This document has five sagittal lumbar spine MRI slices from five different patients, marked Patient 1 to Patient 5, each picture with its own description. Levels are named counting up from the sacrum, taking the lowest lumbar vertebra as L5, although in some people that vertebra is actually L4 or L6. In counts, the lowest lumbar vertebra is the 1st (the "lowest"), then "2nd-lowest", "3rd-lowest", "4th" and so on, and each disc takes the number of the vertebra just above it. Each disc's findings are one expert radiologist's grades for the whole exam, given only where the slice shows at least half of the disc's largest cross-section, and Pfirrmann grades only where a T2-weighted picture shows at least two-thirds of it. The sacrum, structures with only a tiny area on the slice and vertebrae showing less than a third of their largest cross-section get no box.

Patient 1 of 5:
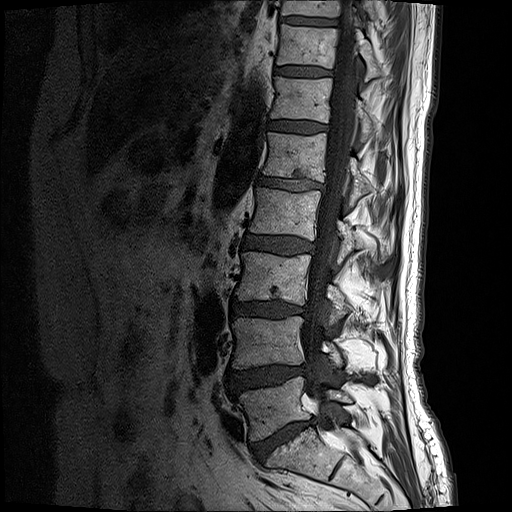

Slice 9 of 19; T1-weighted sagittal MRI of the lumbar spine; Patient sex: M
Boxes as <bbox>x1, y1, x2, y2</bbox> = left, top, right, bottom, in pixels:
L4 vertebra at <bbox>232, 316, 343, 369</bbox>, L5 vertebra at <bbox>234, 377, 351, 441</bbox>, L1/L2 at <bbox>257, 175, 323, 190</bbox>, L2 vertebra at <bbox>249, 187, 386, 263</bbox>, T10 vertebra at <bbox>281, 0, 376, 23</bbox>, L4/L5 at <bbox>228, 363, 308, 392</bbox>, disc T12/L1 at <bbox>269, 121, 327, 133</bbox>, disc L5/S1 at <bbox>250, 418, 315, 462</bbox>, T11 at <bbox>277, 26, 380, 80</bbox>, L1 at <bbox>262, 131, 368, 202</bbox>, spinal canal at <bbox>300, 1, 357, 432</bbox>, T12 vertebra at <bbox>271, 76, 373, 138</bbox>, L3 vertebra at <bbox>236, 251, 346, 319</bbox>, T10/T11 at <bbox>281, 15, 338, 27</bbox>, L2/L3 at <bbox>241, 233, 313, 256</bbox>, T11/T12 at <bbox>275, 67, 330, 75</bbox>, L3/L4 at <bbox>232, 301, 307, 318</bbox>.

Per-level radiological findings:
• L4/L5: disc herniation, disc bulging
• L2/L3: disc bulging
• L5/S1: lower-endplate change, disc bulging, disc narrowing, Modic type II
• L3/L4: Modic type II, lower-endplate change, disc narrowing, disc bulging
• L1/L2: upper-endplate change, disc bulging, Modic type II, disc narrowing, lower-endplate change
• T11/T12, T12/L1: no Modic or endplate change, herniation, narrowing, bulging or spondylolisthesis recorded

Patient 2 of 5:
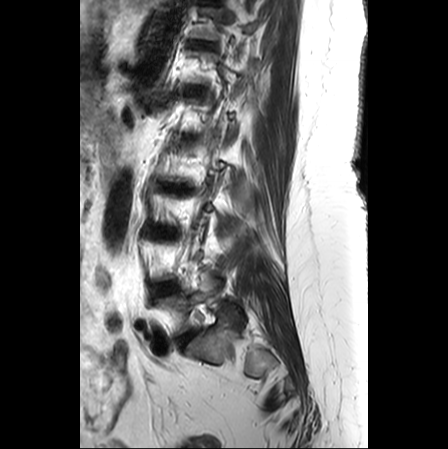

Slice spacing 3.3 mm | T2-weighted sagittal MRI of the lumbar spine
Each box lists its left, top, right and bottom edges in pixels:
{"T11 vertebra": "left=190, top=7, right=257, bottom=39", "IVD L5/S1": "left=176, top=329, right=197, bottom=348", "L5": "left=157, top=275, right=244, bottom=336", "IVD T11/T12": "left=189, top=40, right=212, bottom=47", "L4/L5": "left=153, top=281, right=178, bottom=296"}

Patient 3 of 5:
Image 512x512, Slice spacing 3.3 mm, MRI lumbar spine (T1-weighted), sagittal plane
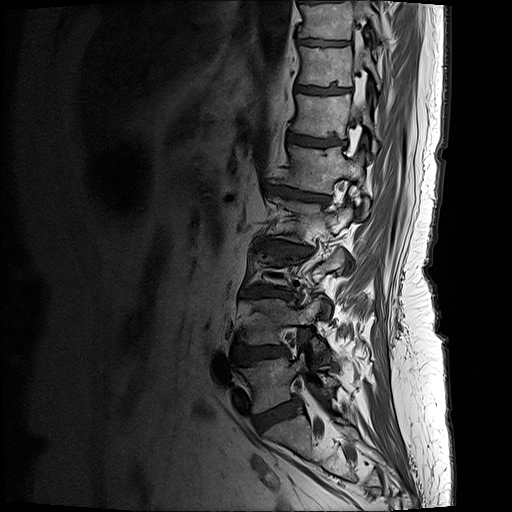 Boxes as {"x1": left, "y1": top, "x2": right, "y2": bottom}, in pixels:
L5 vertebra at {"x1": 239, "y1": 354, "x2": 338, "y2": 414}, T12 at {"x1": 292, "y1": 94, "x2": 377, "y2": 156}, T10 vertebra at {"x1": 301, "y1": 0, "x2": 381, "y2": 39}, L2/L3 at {"x1": 254, "y1": 239, "x2": 312, "y2": 255}, IVD T10/T11 at {"x1": 300, "y1": 39, "x2": 339, "y2": 45}, spinal canal at {"x1": 356, "y1": 17, "x2": 366, "y2": 110}, L1 at {"x1": 281, "y1": 146, "x2": 369, "y2": 213}, L5/S1 at {"x1": 254, "y1": 399, "x2": 300, "y2": 431}, T11 at {"x1": 298, "y1": 47, "x2": 380, "y2": 88}, IVD L3/L4 at {"x1": 242, "y1": 286, "x2": 291, "y2": 297}, T12/L1 at {"x1": 287, "y1": 134, "x2": 345, "y2": 146}, IVD L4/L5 at {"x1": 233, "y1": 345, "x2": 288, "y2": 365}, IVD T11/T12 at {"x1": 296, "y1": 85, "x2": 349, "y2": 94}, L1/L2 at {"x1": 263, "y1": 184, "x2": 329, "y2": 203}, L4 vertebra at {"x1": 238, "y1": 298, "x2": 326, "y2": 356}.

Per-level radiological findings:
- T10/T11: upper-endplate change, lower-endplate change
- L1/L2: disc narrowing, lower-endplate change, disc bulging, upper-endplate change, Modic type II
- L3/L4: disc bulging, lower-endplate change, disc narrowing, Modic type II, upper-endplate change
- T12/L1: lower-endplate change, upper-endplate change, Modic type II
- L4/L5: upper-endplate change, disc bulging, lower-endplate change
- L5/S1: disc bulging
- T11/T12: upper-endplate change, lower-endplate change
- L2/L3: Modic type II, lower-endplate change, upper-endplate change, disc bulging, disc narrowing

Patient 4 of 5:
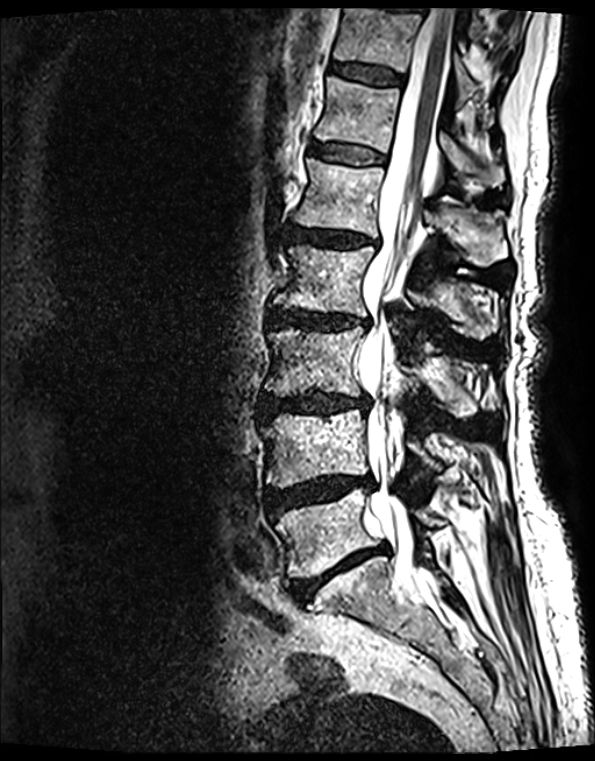
T2 SPACE (3D) sagittal MRI of the lumbar spine

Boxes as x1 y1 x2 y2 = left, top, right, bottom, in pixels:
spinal canal: 360 10 454 601 | T11/T12: 330 63 402 85 | L2/L3: 270 310 365 329 | L4: 262 410 434 488 | L3 vertebra: 265 327 476 416 | T11 vertebra: 334 9 477 104 | T12: 315 78 505 187 | IVD L5/S1: 292 545 385 601 | L1 vertebra: 294 159 507 266 | IVD L1/L2: 291 227 368 246 | L5 vertebra: 276 489 444 578 | IVD T12/L1: 310 144 384 165 | IVD L4/L5: 265 477 371 515 | L3/L4: 262 392 368 415 | L2 vertebra: 274 246 497 339

Degenerative findings by level:
  L4/L5: Pfirrmann grade 4, upper-endplate change, Modic type II, lower-endplate change, disc bulging, disc narrowing, disc herniation
  L2/L3: Pfirrmann grade 4, disc bulging, Modic type II, disc narrowing, upper-endplate change, lower-endplate change
  T12/L1: Pfirrmann grade 2, Modic type II, upper-endplate change, lower-endplate change
  T11/T12: Pfirrmann grade 2, Modic type II, upper-endplate change, lower-endplate change
  L3/L4: Pfirrmann grade 4, Modic type II, lower-endplate change, disc narrowing, upper-endplate change, disc bulging
  L1/L2: Pfirrmann grade 4, disc narrowing, Modic type II, disc bulging, lower-endplate change, upper-endplate change
  L5/S1: Pfirrmann grade 5, disc narrowing, lower-endplate change, disc bulging, upper-endplate change, Modic type II

Patient 5 of 5:
Scanner: SIEMENS Aera (1.5T), T2-weighted sagittal MRI of the lumbar spine, Image 384x384

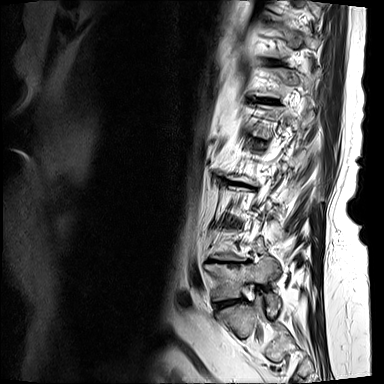 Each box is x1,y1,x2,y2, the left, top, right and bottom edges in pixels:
Intervertebral disc L4/L5 (2nd-lowest disc): 209,260,237,264.
L5 (lowest vertebra): 205,256,280,316.
Intervertebral disc L5/S1 (lowest disc): 217,298,242,307.
T12/L1 (6th disc): 257,99,276,103.

Expert MSK radiologist gradings (per disc):
- L4/L5 (2nd-lowest disc): upper-endplate change, disc bulging, lower-endplate change, Modic type II, disc narrowing
- T12/L1 (6th disc): Modic type II, disc narrowing, upper-endplate change, disc bulging, lower-endplate change